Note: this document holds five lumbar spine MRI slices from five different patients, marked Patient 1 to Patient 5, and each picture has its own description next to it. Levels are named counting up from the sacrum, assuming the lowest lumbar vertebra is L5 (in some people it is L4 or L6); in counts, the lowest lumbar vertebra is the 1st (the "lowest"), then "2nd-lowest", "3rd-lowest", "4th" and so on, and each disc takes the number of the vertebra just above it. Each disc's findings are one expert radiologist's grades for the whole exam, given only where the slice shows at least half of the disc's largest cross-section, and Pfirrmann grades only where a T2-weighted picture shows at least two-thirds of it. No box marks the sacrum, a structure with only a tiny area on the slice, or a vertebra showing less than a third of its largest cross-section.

Patient 1 of 5:
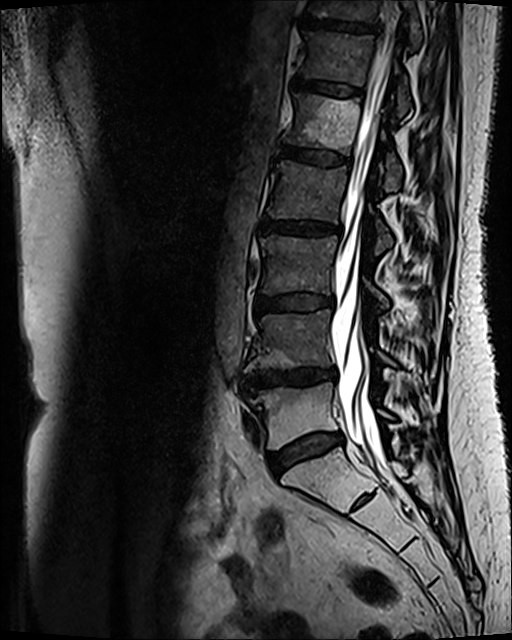
Slice 57/120. Sex F. 512x640 px. T2 SPACE (3D) sagittal MRI of the lumbar spine.

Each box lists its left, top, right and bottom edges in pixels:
6th disc: left=293, top=77, right=361, bottom=96.
6th vertebra: left=303, top=31, right=409, bottom=116.
3rd-lowest disc: left=257, top=296, right=333, bottom=312.
4th disc: left=261, top=218, right=342, bottom=235.
7th disc: left=303, top=17, right=378, bottom=32.
2nd-lowest vertebra: left=245, top=309, right=393, bottom=372.
Lowest vertebra: left=250, top=382, right=392, bottom=448.
Thecal sac / spinal canal: left=331, top=44, right=392, bottom=469.
Lowest disc: left=270, top=432, right=343, bottom=475.
4th vertebra: left=268, top=162, right=392, bottom=252.
5th disc: left=281, top=147, right=348, bottom=164.
5th vertebra: left=285, top=94, right=402, bottom=191.
2nd-lowest disc: left=242, top=369, right=336, bottom=394.
7th vertebra: left=308, top=0, right=421, bottom=49.
3rd-lowest vertebra: left=260, top=234, right=388, bottom=308.

Per-level radiological findings:
• 5th disc: Pfirrmann grade 3, Modic type II
• 6th disc: Pfirrmann grade 3, Modic type II
• 2nd-lowest disc: Pfirrmann grade 4, lower-endplate change, Modic type II, upper-endplate change, disc bulging, disc narrowing
• 4th disc: Pfirrmann grade 3, Modic type II, disc bulging
• 7th disc: Pfirrmann grade 4, lower-endplate change, upper-endplate change, Modic type II
• lowest disc: Pfirrmann grade 3, Modic type II, disc bulging
• 3rd-lowest disc: Pfirrmann grade 3, disc bulging, Modic type II

Patient 2 of 5:
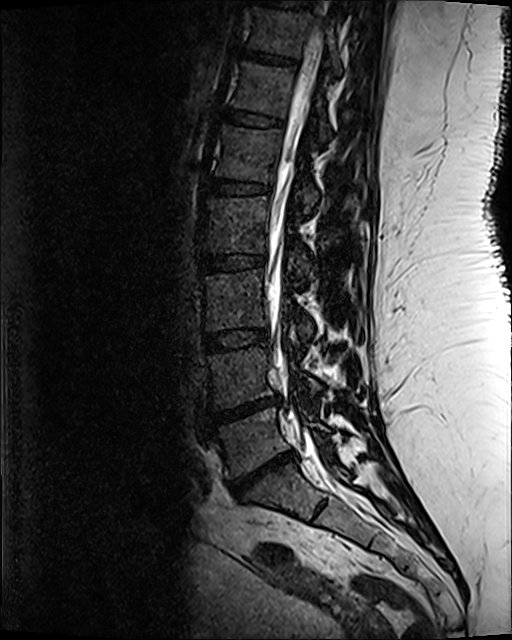 T2 SPACE (3D) sagittal MRI of the lumbar spine
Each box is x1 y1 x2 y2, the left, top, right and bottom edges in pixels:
Structures:
- 3rd-lowest disc = 204 329 267 351
- spinal canal = 265 11 359 499
- 7th disc = 242 51 294 63
- 4th vertebra = 201 197 312 279
- 5th disc = 205 177 269 194
- 4th disc = 199 255 264 271
- lowest vertebra = 211 407 329 476
- lowest disc = 227 454 294 497
- 2nd-lowest vertebra = 210 346 320 407
- 3rd-lowest vertebra = 203 270 313 335
- 8th disc = 260 0 312 7
- 5th vertebra = 213 126 318 212
- 6th vertebra = 231 63 330 139
- 2nd-lowest disc = 212 401 271 423
- 7th vertebra = 248 8 342 74
- 6th disc = 222 109 281 126

Expert MSK radiologist gradings (per disc):
  lowest disc: Pfirrmann grade 5, Modic type II, disc narrowing, upper-endplate change, lower-endplate change, disc herniation
  6th disc: Pfirrmann grade 3
  3rd-lowest disc: Pfirrmann grade 3
  7th disc: Pfirrmann grade 3, lower-endplate change
  5th disc: Pfirrmann grade 3, lower-endplate change
  4th disc: Pfirrmann grade 3, lower-endplate change, upper-endplate change

Patient 3 of 5:
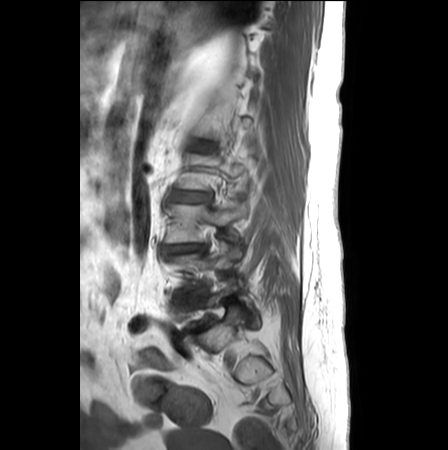 Patient sex: F, MRI lumbar spine (T1-weighted), sagittal plane, Slice 7 of 26, Image 448x450
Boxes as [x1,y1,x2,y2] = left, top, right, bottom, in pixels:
• L2/L3 (4th disc) at [171,192,207,201]
• L3/L4 (3rd-lowest disc) at [163,243,206,252]
• L4/L5 (2nd-lowest disc) at [180,288,200,297]
• L3 (3rd-lowest vertebra) at [166,202,247,241]

Degenerative findings by level:
  L3/L4 (3rd-lowest disc): disc bulging, upper-endplate change, lower-endplate change, disc narrowing
  L2/L3 (4th disc): disc bulging

Patient 4 of 5:
Slice 6/17; Slice spacing 3.3 mm; MRI lumbar spine (T1-weighted), sagittal plane; Scanner: SIEMENS Avanto_fit (1.5T)

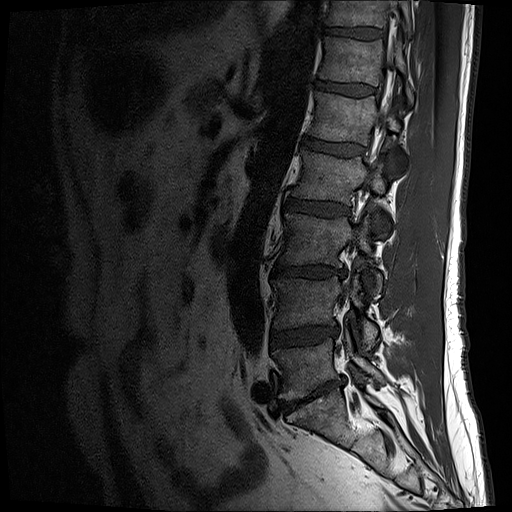 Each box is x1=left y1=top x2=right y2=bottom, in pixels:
L1 (5th vertebra) at x1=309 y1=91 x2=403 y2=161, L3/L4 (3rd-lowest disc) at x1=271 y1=266 x2=344 y2=278, L5 (lowest vertebra) at x1=272 y1=335 x2=387 y2=400, L1/L2 (5th disc) at x1=301 y1=138 x2=364 y2=157, L2 (4th vertebra) at x1=292 y1=150 x2=389 y2=236, spinal canal at x1=367 y1=4 x2=396 y2=169, L3 (3rd-lowest vertebra) at x1=279 y1=213 x2=381 y2=298, disc L4/L5 (2nd-lowest disc) at x1=270 y1=326 x2=338 y2=345, L2/L3 (4th disc) at x1=286 y1=199 x2=350 y2=217, T11 (7th vertebra) at x1=323 y1=0 x2=413 y2=35, T11/T12 (7th disc) at x1=321 y1=26 x2=381 y2=41, T12/L1 (6th disc) at x1=314 y1=82 x2=375 y2=96, T12 (6th vertebra) at x1=318 y1=37 x2=413 y2=105, L4 (2nd-lowest vertebra) at x1=271 y1=274 x2=377 y2=347, disc L5/S1 (lowest disc) at x1=282 y1=380 x2=341 y2=411.

Degenerative findings by level:
  L4/L5 (2nd-lowest disc): disc bulging, disc narrowing
  L3/L4 (3rd-lowest disc): lower-endplate change, disc bulging, disc narrowing
  L5/S1 (lowest disc): Modic type II, disc bulging, disc narrowing
  L2/L3 (4th disc): disc bulging
  T12/L1 (6th disc), L1/L2 (5th disc), T11/T12 (7th disc): no herniation, bulging, narrowing, spondylolisthesis, endplate or Modic change recorded

Patient 5 of 5:
MRI lumbar spine (T1-weighted), sagittal plane. Slice 12/25.
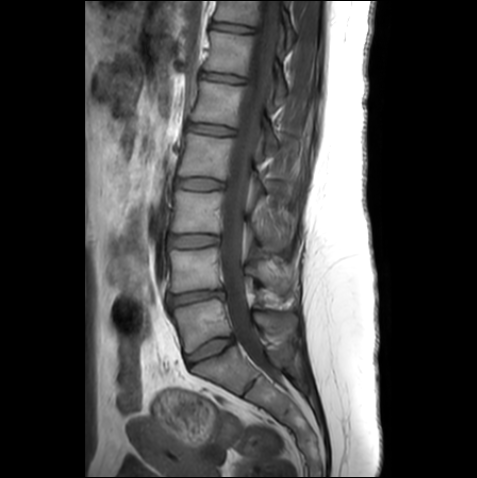

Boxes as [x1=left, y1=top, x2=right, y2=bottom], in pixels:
{"7th disc": "[x1=210, y1=21, x2=250, y2=32]", "2nd-lowest disc": "[x1=168, y1=289, x2=225, y2=305]", "6th disc": "[x1=201, y1=71, x2=243, y2=82]", "5th vertebra": "[x1=192, y1=81, x2=277, y2=153]", "lowest disc": "[x1=186, y1=337, x2=233, y2=365]", "3rd-lowest vertebra": "[x1=172, y1=191, x2=291, y2=251]", "spinal canal": "[x1=219, y1=0, x2=280, y2=369]", "3rd-lowest disc": "[x1=168, y1=234, x2=218, y2=247]", "5th disc": "[x1=187, y1=123, x2=232, y2=135]", "lowest vertebra": "[x1=171, y1=299, x2=296, y2=352]", "4th vertebra": "[x1=179, y1=133, x2=291, y2=199]", "2nd-lowest vertebra": "[x1=169, y1=247, x2=298, y2=292]", "4th disc": "[x1=176, y1=178, x2=222, y2=189]", "6th vertebra": "[x1=204, y1=31, x2=285, y2=101]", "7th vertebra": "[x1=214, y1=0, x2=294, y2=50]"}

Per-level radiological findings:
- 2nd-lowest disc: disc bulging, disc narrowing
- 4th disc, 3rd-lowest disc, 6th disc, 7th disc, lowest disc, 5th disc: no spondylolisthesis, narrowing, bulging, herniation, Modic or endplate change recorded